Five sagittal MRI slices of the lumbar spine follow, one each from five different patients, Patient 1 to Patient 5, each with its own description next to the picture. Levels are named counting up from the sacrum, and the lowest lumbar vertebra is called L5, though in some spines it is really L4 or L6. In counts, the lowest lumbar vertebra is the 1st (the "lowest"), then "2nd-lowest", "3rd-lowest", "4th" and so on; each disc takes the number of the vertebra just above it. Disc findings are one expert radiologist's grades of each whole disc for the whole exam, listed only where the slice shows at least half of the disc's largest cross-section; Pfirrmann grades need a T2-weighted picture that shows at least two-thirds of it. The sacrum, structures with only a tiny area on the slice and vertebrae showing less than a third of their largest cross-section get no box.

Patient 1 of 5:
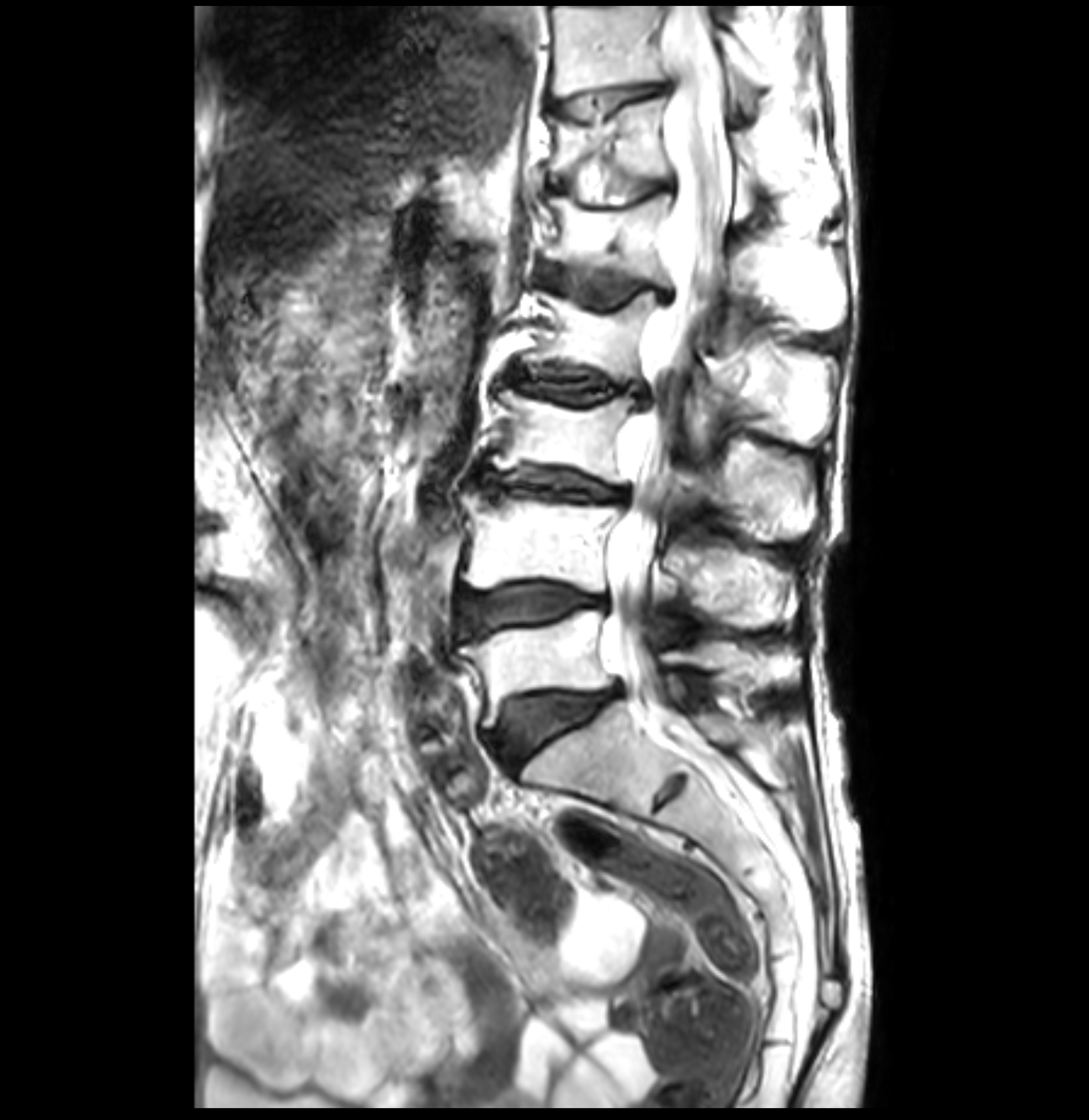

Slice spacing 3.4 mm. Lumbar spine MR, T2-weighted, sagittal.

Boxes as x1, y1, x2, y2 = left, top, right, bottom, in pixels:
T12 at 549, 94, 841, 213; disc L4/L5 at 462, 583, 610, 634; T11/T12 at 554, 83, 661, 122; L5 vertebra at 459, 609, 800, 728; thecal sac / spinal canal at 605, 8, 731, 709; T11 at 549, 5, 787, 103; L3 at 491, 387, 814, 534; L2 at 523, 289, 833, 452; L1 vertebra at 542, 193, 841, 348; disc L3/L4 at 472, 470, 627, 500; disc T12/L1 at 549, 158, 673, 205; L1/L2 at 540, 265, 673, 305; L5/S1 at 494, 686, 620, 770; L2/L3 at 513, 368, 644, 405; L4 at 462, 490, 794, 626.

Per-level radiological findings:
• L3/L4: lower-endplate change, disc bulging, upper-endplate change, disc narrowing, Modic type II
• T11/T12: Pfirrmann grade 1, Modic type II, lower-endplate change, upper-endplate change
• L5/S1: Pfirrmann grade 4, disc bulging, upper-endplate change, lower-endplate change, Modic type II
• L4/L5: Pfirrmann grade 4, disc bulging, Modic type II, upper-endplate change, lower-endplate change
• L2/L3: disc narrowing, disc bulging, upper-endplate change, Modic type II, lower-endplate change
• T12/L1: Pfirrmann grade 3, lower-endplate change, upper-endplate change, Modic type II
• L1/L2: disc bulging, Modic type II, upper-endplate change, lower-endplate change

Patient 2 of 5:
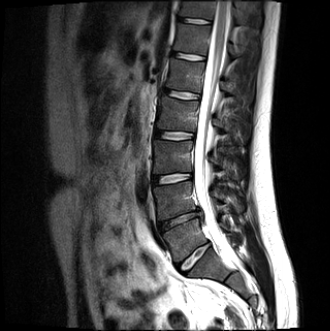 Patient sex: M. Field of view 300x301 mm. T2-weighted sagittal MRI of the lumbar spine. Slice 7 of 14. Image 330x331.
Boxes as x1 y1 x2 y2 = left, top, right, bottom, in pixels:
Spinal canal: 194 0 229 246.
Intervertebral disc L5/S1 (lowest disc): 179 243 210 272.
L1 (5th vertebra): 165 58 228 92.
L4/L5 (2nd-lowest disc): 159 208 201 231.
L2/L3 (4th disc): 155 130 193 139.
Intervertebral disc L1/L2 (5th disc): 163 89 198 98.
Intervertebral disc T11/T12 (7th disc): 178 18 210 24.
T11 (7th vertebra): 179 1 243 23.
L5 (lowest vertebra): 163 219 230 263.
T12/L1 (6th disc): 171 52 203 60.
T12 (6th vertebra): 173 23 236 55.
L2 (4th vertebra): 157 97 228 131.
L4 (2nd-lowest vertebra): 154 181 242 219.
Intervertebral disc L3/L4 (3rd-lowest disc): 154 174 191 184.
L3 (3rd-lowest vertebra): 153 140 240 179.

Radiological gradings:
• T12/L1 (6th disc): Pfirrmann grade 2
• L3/L4 (3rd-lowest disc): Pfirrmann grade 2
• L1/L2 (5th disc): Pfirrmann grade 2
• T11/T12 (7th disc): Pfirrmann grade 2
• L4/L5 (2nd-lowest disc): Pfirrmann grade 4, disc herniation, disc narrowing, lower-endplate change, upper-endplate change, Modic type II
• L5/S1 (lowest disc): Pfirrmann grade 2, disc bulging
• L2/L3 (4th disc): Pfirrmann grade 2

Patient 3 of 5:
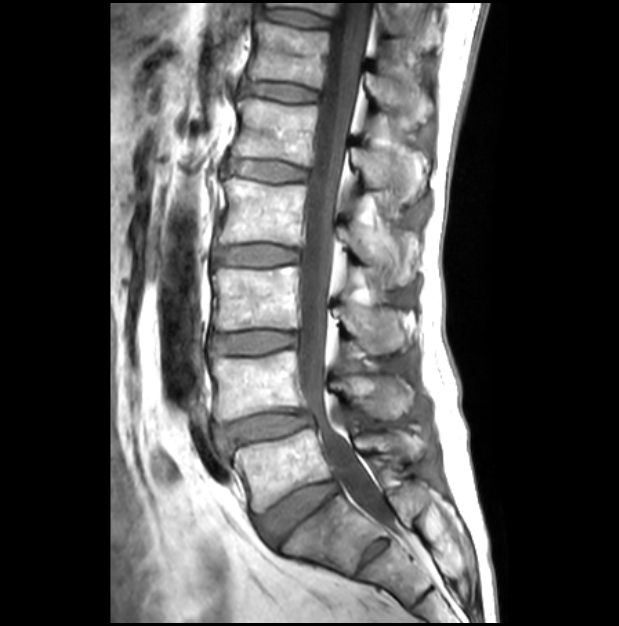 Sagittal T1-weighted lumbar spine MRI, Slice 15/28, Image 619x626

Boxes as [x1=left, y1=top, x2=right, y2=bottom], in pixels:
L4 (2nd-lowest vertebra) — [x1=210, y1=350, x2=413, y2=423].
T11 (7th vertebra) — [x1=267, y1=2, x2=438, y2=51].
Disc L5/S1 (lowest disc) — [x1=257, y1=480, x2=337, y2=543].
L2/L3 (4th disc) — [x1=213, y1=245, x2=297, y2=266].
T12 (6th vertebra) — [x1=247, y1=22, x2=433, y2=124].
T11/T12 (7th disc) — [x1=261, y1=9, x2=329, y2=27].
L3 (3rd-lowest vertebra) — [x1=213, y1=267, x2=406, y2=354].
L1 (5th vertebra) — [x1=232, y1=98, x2=426, y2=201].
L5 (lowest vertebra) — [x1=228, y1=428, x2=426, y2=512].
L4/L5 (2nd-lowest disc) — [x1=217, y1=412, x2=311, y2=449].
L1/L2 (5th disc) — [x1=228, y1=159, x2=307, y2=181].
L2 (4th vertebra) — [x1=217, y1=178, x2=416, y2=285].
Thecal sac / spinal canal — [x1=298, y1=0, x2=391, y2=524].
Disc T12/L1 (6th disc) — [x1=242, y1=82, x2=317, y2=101].
L3/L4 (3rd-lowest disc) — [x1=210, y1=332, x2=295, y2=355].

Radiological gradings:
• L4/L5 (2nd-lowest disc): upper-endplate change, spondylolisthesis, disc narrowing, disc bulging, lower-endplate change
• T12/L1 (6th disc), L5/S1 (lowest disc), T11/T12 (7th disc), L1/L2 (5th disc), L3/L4 (3rd-lowest disc), L2/L3 (4th disc): no spondylolisthesis, narrowing, bulging, herniation, Modic or endplate change recorded

Patient 4 of 5:
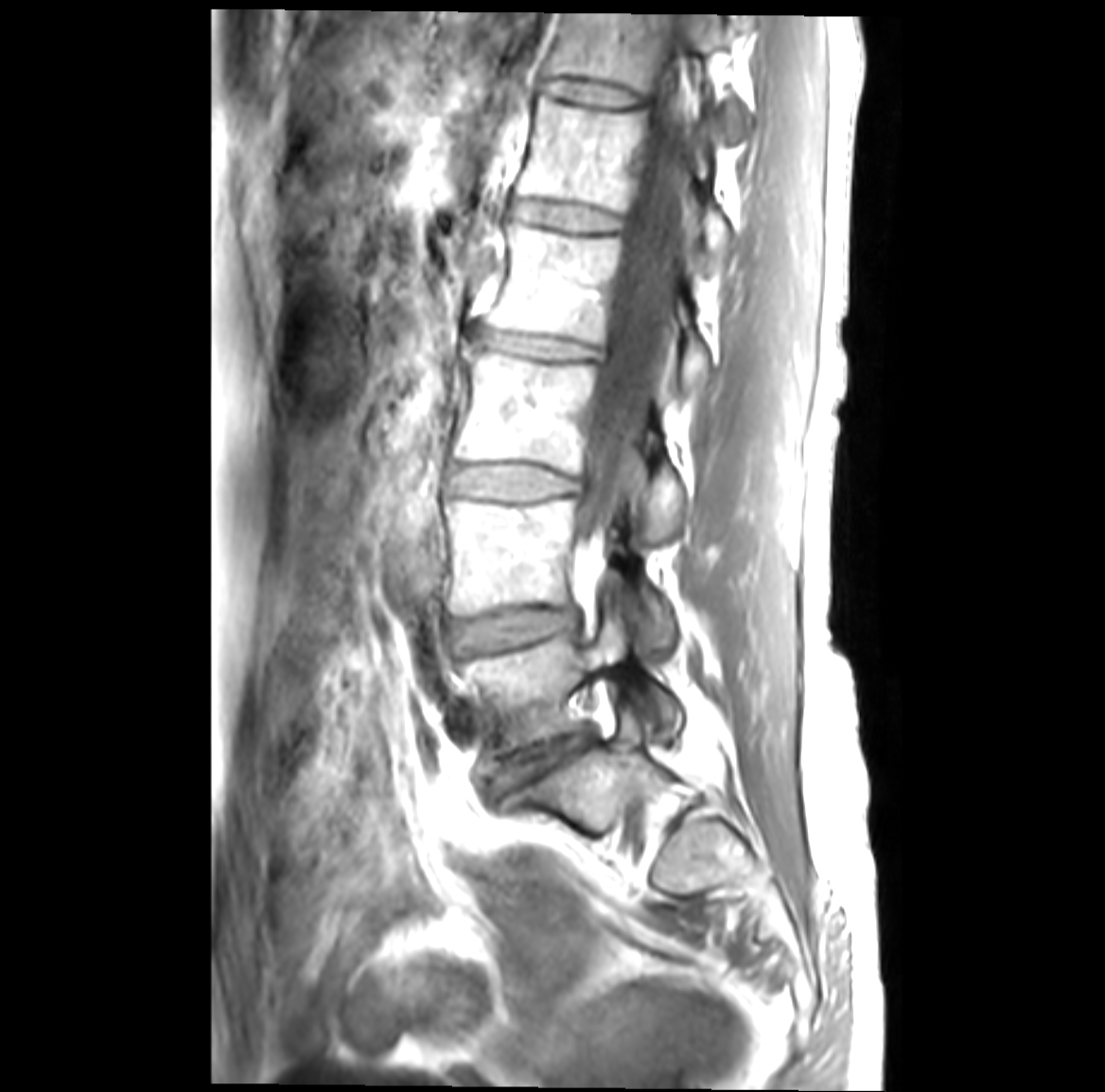

Sex F. Sagittal T1-weighted lumbar spine MRI.

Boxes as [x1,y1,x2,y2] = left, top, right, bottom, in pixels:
IVD L5/S1 at [492,732,586,794].
L3 vertebra at [454,345,682,540].
L5 at [460,611,682,754].
IVD L1/L2 at [513,202,620,232].
T12 vertebra at [547,13,745,136].
L4/L5 at [451,609,574,651].
Thecal sac / spinal canal at [577,47,695,574].
L2/L3 at [473,327,599,359].
L2 at [485,224,710,390].
IVD T12/L1 at [542,79,640,109].
IVD L3/L4 at [448,465,578,498].
L4 vertebra at [444,499,673,643].
L1 at [517,96,734,260].

Per-level radiological findings:
- L5/S1: Modic type II, disc narrowing, disc bulging
- L4/L5: Modic type II, disc bulging
- L3/L4: disc bulging, Modic type II
- L2/L3: disc narrowing, Modic type II, disc bulging
- T12/L1, L1/L2: no herniation, bulging, narrowing, spondylolisthesis, endplate or Modic change recorded

Patient 5 of 5:
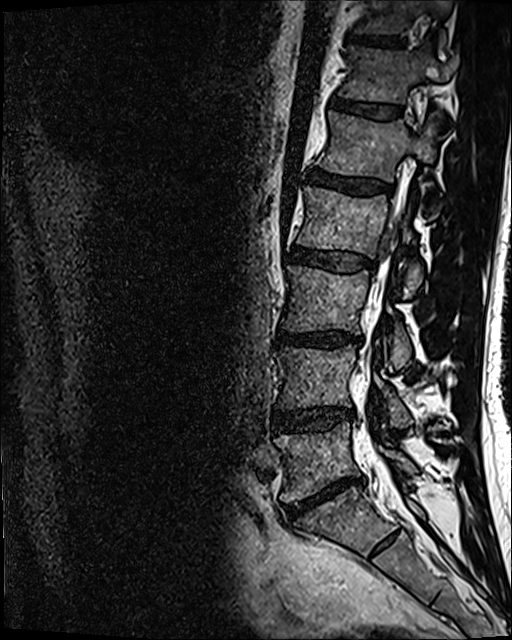
Sagittal T2 SPACE (3D) lumbar spine MRI; Sagittal slice index 76

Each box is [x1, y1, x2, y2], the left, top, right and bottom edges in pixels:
T12 vertebra at [339, 45, 452, 103], disc L5/S1 at [287, 475, 364, 517], thecal sac / spinal canal at [362, 210, 402, 507], L4/L5 at [272, 407, 353, 431], L5 vertebra at [274, 422, 416, 502], disc T12/L1 at [332, 98, 402, 119], L1 at [317, 112, 439, 216], disc L3/L4 at [274, 331, 361, 347], disc T11/T12 at [348, 34, 400, 47], disc L1/L2 at [307, 168, 391, 194], L3 vertebra at [282, 266, 411, 369], T11 vertebra at [352, 0, 451, 47], L2 at [297, 187, 423, 297], L4 at [274, 345, 411, 426], disc L2/L3 at [289, 247, 375, 271].

Per-level radiological findings:
• L2/L3: Pfirrmann grade 3, disc bulging
• L5/S1: Pfirrmann grade 5, disc bulging, disc narrowing, Modic type II
• L4/L5: Pfirrmann grade 3, disc narrowing, disc bulging
• L1/L2: Pfirrmann grade 4
• T12/L1: Pfirrmann grade 3
• L3/L4: Pfirrmann grade 4, lower-endplate change, disc bulging, disc narrowing
• T11/T12: no herniation, bulging, narrowing, spondylolisthesis, endplate or Modic change recorded